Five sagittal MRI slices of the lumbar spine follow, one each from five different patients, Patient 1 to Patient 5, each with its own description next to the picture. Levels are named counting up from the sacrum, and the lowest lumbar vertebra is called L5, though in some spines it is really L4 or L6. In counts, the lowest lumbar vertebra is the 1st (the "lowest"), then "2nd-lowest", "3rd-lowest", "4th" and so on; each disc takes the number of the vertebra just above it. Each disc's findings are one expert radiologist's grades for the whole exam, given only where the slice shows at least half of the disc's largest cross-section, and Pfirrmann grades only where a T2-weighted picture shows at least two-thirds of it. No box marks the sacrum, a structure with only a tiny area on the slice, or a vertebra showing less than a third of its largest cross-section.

Patient 1 of 5:
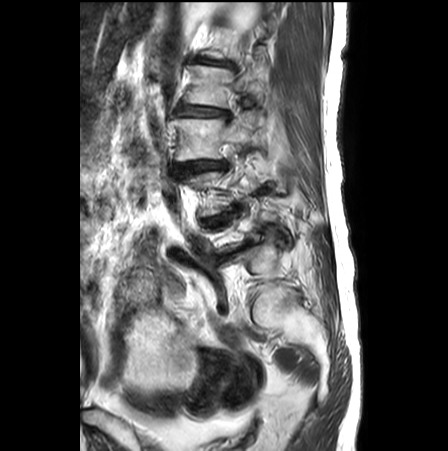
Sex F | T2-weighted sagittal MRI of the lumbar spine | Slice 7 of 26

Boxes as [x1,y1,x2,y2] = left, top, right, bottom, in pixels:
lowest disc: [219,242,248,261] | 2nd-lowest disc: [203,213,228,226] | 4th vertebra: [184,64,264,107] | 3rd-lowest disc: [177,162,225,174] | 3rd-lowest vertebra: [172,112,265,161] | 4th disc: [175,104,230,117] | 5th disc: [196,57,235,69]

Per-level radiological findings:
  5th disc: Pfirrmann grade 5, lower-endplate change, disc narrowing, disc bulging
  3rd-lowest disc: Pfirrmann grade 4, upper-endplate change, lower-endplate change, disc narrowing, disc bulging, Modic type II, spondylolisthesis
  4th disc: Pfirrmann grade 4, lower-endplate change, disc bulging, Modic type II, upper-endplate change, spondylolisthesis, disc narrowing

Patient 2 of 5:
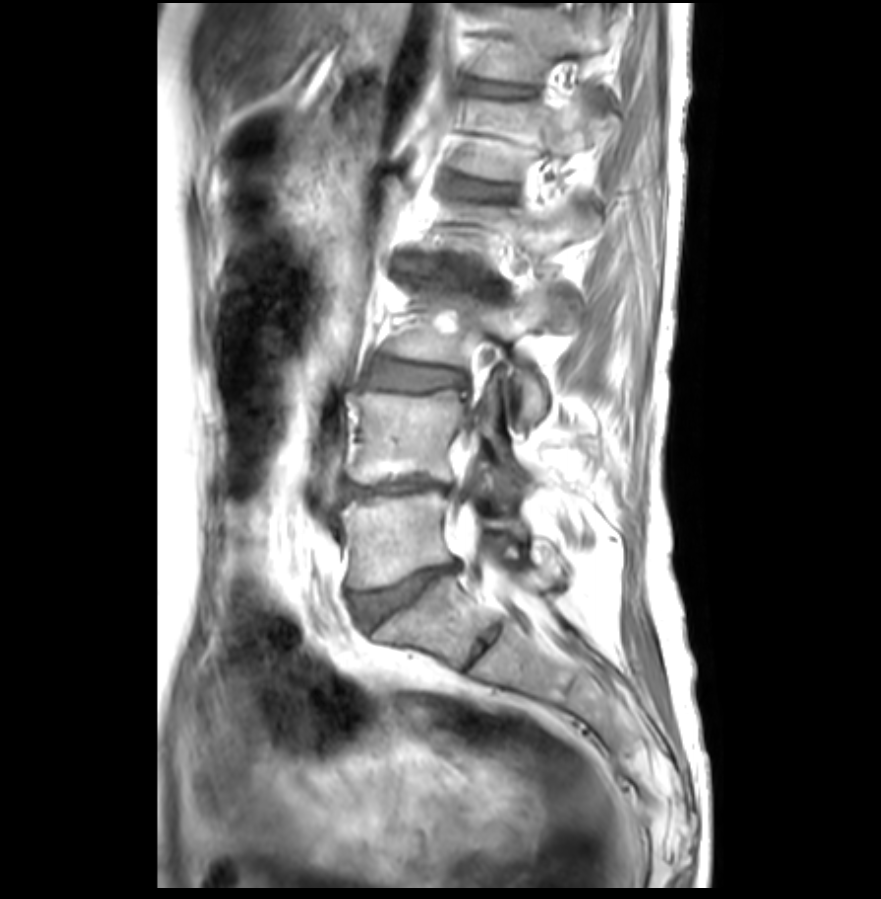 Sex F, T1-weighted sagittal MRI of the lumbar spine

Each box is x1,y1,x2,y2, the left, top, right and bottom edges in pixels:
thecal sac / spinal canal: 460,467,489,561
L5 vertebra: 340,489,528,588
L4: 352,389,526,483
L1 vertebra: 462,102,619,178
L5/S1: 356,563,459,624
L3/L4: 368,361,467,390
T12 vertebra: 464,4,611,82
L1/L2: 450,179,514,199
L3: 391,276,577,424
L2/L3: 395,256,505,292
L4/L5: 344,480,449,501
IVD T12/L1: 464,78,536,96

Per-level radiological findings:
• L4/L5: Modic type II, disc narrowing, disc bulging
• L2/L3: disc bulging, lower-endplate change, disc narrowing, Modic type II, upper-endplate change, disc herniation
• T12/L1: lower-endplate change, upper-endplate change
• L3/L4: disc bulging, Modic type II
• L1/L2: lower-endplate change, Modic type II, upper-endplate change
• L5/S1: upper-endplate change, disc narrowing, lower-endplate change, disc bulging

Patient 3 of 5:
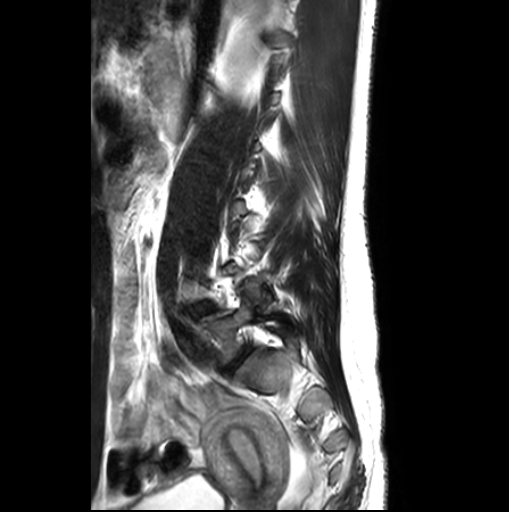

T2-weighted sagittal MRI of the lumbar spine

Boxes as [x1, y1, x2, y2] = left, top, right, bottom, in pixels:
* 2nd-lowest disc — [192, 302, 213, 314]
* lowest vertebra — [199, 301, 295, 363]
* lowest disc — [225, 346, 250, 371]

Patient 4 of 5:
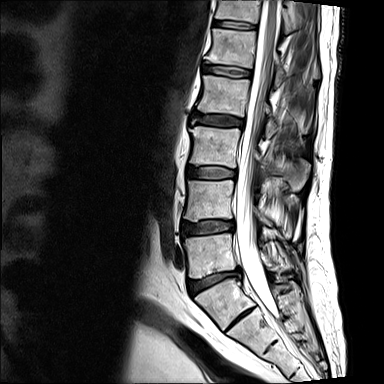 Sagittal T2-weighted lumbar spine MRI; Sagittal slice index 8
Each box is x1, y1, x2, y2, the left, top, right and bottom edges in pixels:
6th vertebra at 215, 0, 299, 32.
2nd-lowest disc at 182, 220, 234, 236.
5th vertebra at 205, 29, 316, 86.
3rd-lowest disc at 187, 167, 236, 178.
4th vertebra at 196, 75, 277, 137.
3rd-lowest vertebra at 189, 126, 310, 190.
Lowest vertebra at 183, 233, 287, 278.
2nd-lowest vertebra at 184, 180, 272, 226.
5th disc at 202, 65, 251, 76.
Lowest disc at 187, 269, 240, 295.
4th disc at 193, 113, 243, 127.
6th disc at 214, 21, 256, 29.
Thecal sac / spinal canal at 235, 0, 282, 318.

Degenerative findings by level:
  3rd-lowest disc: Pfirrmann grade 2
  6th disc: Pfirrmann grade 2
  4th disc: Pfirrmann grade 3, Modic type II, disc bulging, upper-endplate change, lower-endplate change
  5th disc: Pfirrmann grade 2, upper-endplate change, lower-endplate change, Modic type II
  2nd-lowest disc: Pfirrmann grade 2, upper-endplate change, lower-endplate change, disc bulging
  lowest disc: Pfirrmann grade 3, Modic type II, lower-endplate change, disc herniation, disc narrowing, upper-endplate change

Patient 5 of 5:
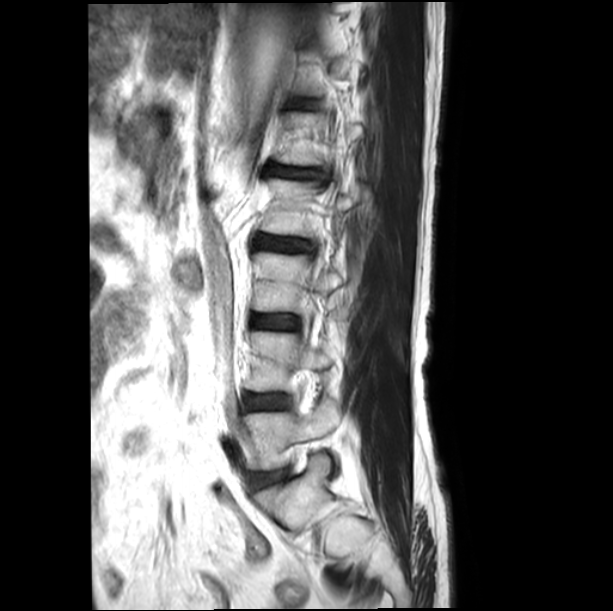
Patient sex: M, Sagittal T2-weighted lumbar spine MRI

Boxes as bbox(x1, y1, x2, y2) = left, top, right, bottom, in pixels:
L4: bbox(249, 330, 332, 391).
L1: bbox(277, 112, 362, 167).
L1/L2: bbox(269, 165, 325, 179).
L5 vertebra: bbox(246, 404, 340, 469).
IVD L5/S1: bbox(259, 473, 279, 481).
IVD L4/L5: bbox(247, 395, 286, 408).
L3: bbox(252, 252, 342, 313).
L2 vertebra: bbox(262, 179, 368, 237).
L3/L4: bbox(252, 315, 298, 329).
L2/L3: bbox(256, 235, 312, 251).

Degenerative findings by level:
• L1/L2: Pfirrmann grade 3, disc bulging, disc narrowing
• L2/L3: Pfirrmann grade 3
• L3/L4: no spondylolisthesis, narrowing, bulging, herniation, Modic or endplate change recorded